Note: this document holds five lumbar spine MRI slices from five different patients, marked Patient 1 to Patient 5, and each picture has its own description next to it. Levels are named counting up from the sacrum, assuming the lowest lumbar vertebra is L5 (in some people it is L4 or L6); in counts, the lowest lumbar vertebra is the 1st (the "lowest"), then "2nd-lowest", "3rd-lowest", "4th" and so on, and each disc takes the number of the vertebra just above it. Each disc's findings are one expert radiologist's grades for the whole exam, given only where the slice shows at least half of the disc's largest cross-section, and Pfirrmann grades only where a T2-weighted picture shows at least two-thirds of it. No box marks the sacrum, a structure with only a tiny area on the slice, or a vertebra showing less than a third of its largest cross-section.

Patient 1 of 5:
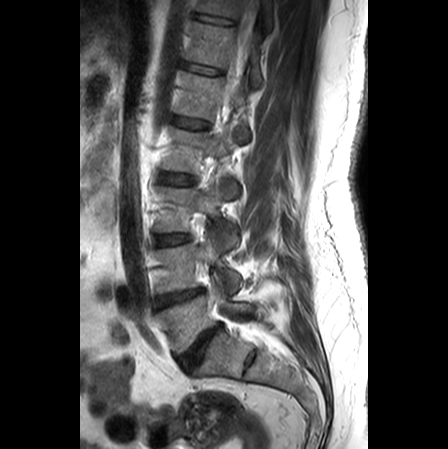
Slice 9/25. Sex M. MRI lumbar spine (T2-weighted), sagittal plane. Image 448x449.

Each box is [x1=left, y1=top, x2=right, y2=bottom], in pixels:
L2 (4th vertebra) at [x1=162, y1=125, x2=238, y2=199], T11 (7th vertebra) at [x1=196, y1=0, x2=271, y2=28], L1 (5th vertebra) at [x1=174, y1=71, x2=249, y2=140], T12 (6th vertebra) at [x1=186, y1=21, x2=261, y2=85], L4/L5 (2nd-lowest disc) at [x1=158, y1=289, x2=201, y2=306], thecal sac / spinal canal at [x1=224, y1=0, x2=278, y2=349], IVD L2/L3 (4th disc) at [x1=160, y1=173, x2=192, y2=185], L1/L2 (5th disc) at [x1=172, y1=116, x2=208, y2=128], T11/T12 (7th disc) at [x1=194, y1=14, x2=233, y2=24], IVD L5/S1 (lowest disc) at [x1=179, y1=325, x2=222, y2=369], L4 (2nd-lowest vertebra) at [x1=155, y1=236, x2=240, y2=293], IVD T12/L1 (6th disc) at [x1=182, y1=62, x2=221, y2=75], L5 (lowest vertebra) at [x1=160, y1=281, x2=252, y2=353], L3/L4 (3rd-lowest disc) at [x1=156, y1=233, x2=187, y2=245], L3 (3rd-lowest vertebra) at [x1=155, y1=180, x2=237, y2=247].

Per-level radiological findings:
  T12/L1 (6th disc): Pfirrmann grade 1
  T11/T12 (7th disc): Pfirrmann grade 1
  L5/S1 (lowest disc): Pfirrmann grade 5, disc narrowing, Modic type II, disc bulging
  L2/L3 (4th disc), L1/L2 (5th disc): no Modic or endplate change, herniation, narrowing, bulging or spondylolisthesis recorded

Patient 2 of 5:
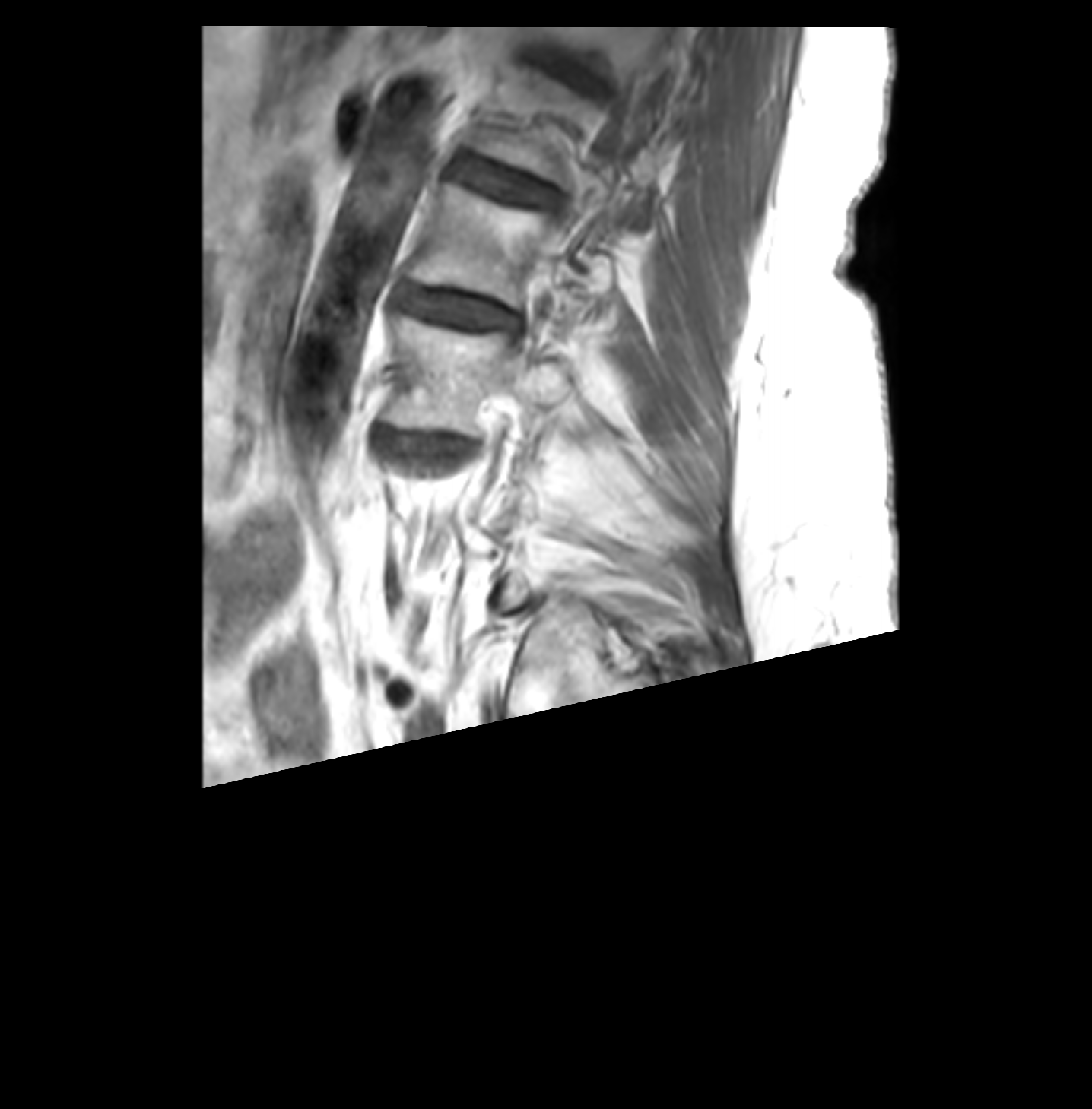 Sex F; MRI lumbar spine (T1-weighted), sagittal plane

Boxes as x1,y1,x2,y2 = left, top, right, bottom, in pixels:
- 3rd-lowest vertebra: 385,314,571,434
- 4th vertebra: 409,182,609,306
- 6th disc: 554,61,577,74
- 4th disc: 397,286,516,328
- 5th disc: 453,154,551,202
- 3rd-lowest disc: 380,433,467,453

Expert MSK radiologist gradings (per disc):
- 4th disc: disc bulging, Modic type II
- 5th disc: Modic type II
- 3rd-lowest disc: Modic type II, disc narrowing, disc bulging

Patient 3 of 5:
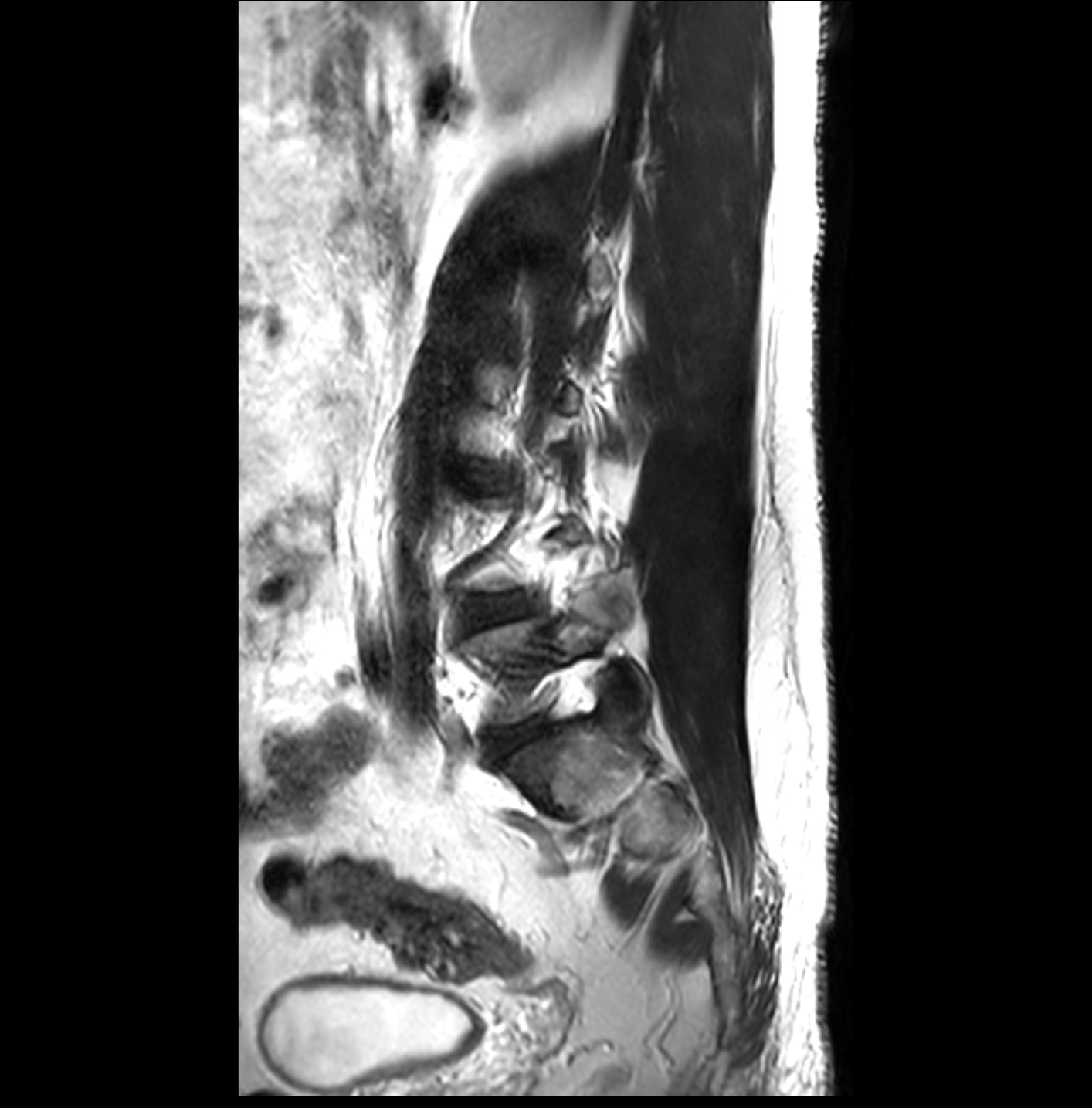 Sex M; MRI lumbar spine (T2-weighted), sagittal plane
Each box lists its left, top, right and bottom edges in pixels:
disc L5/S1 (lowest disc): left=483, top=719, right=548, bottom=757
L5 (lowest vertebra): left=459, top=611, right=647, bottom=725
L4/L5 (2nd-lowest disc): left=460, top=596, right=530, bottom=631

Patient 4 of 5:
512x640 px. Sagittal T2 SPACE (3D) lumbar spine MRI. SIEMENS Avanto_fit (1.5T). Field of view 240x300 mm, slice spacing 0.9 mm.

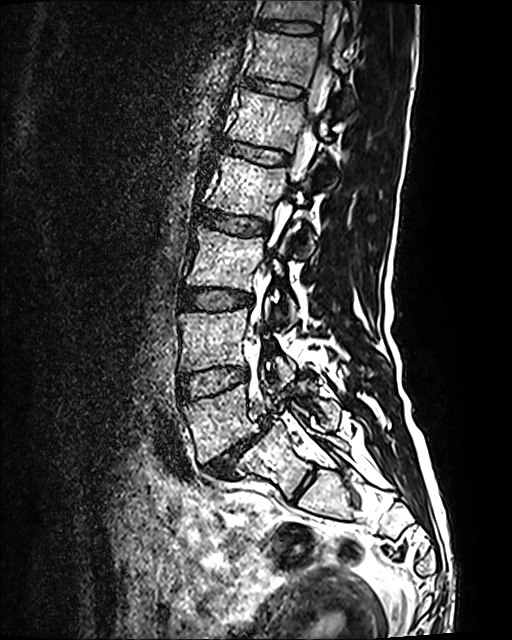 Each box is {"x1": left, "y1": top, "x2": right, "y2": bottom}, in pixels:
L3 at {"x1": 186, "y1": 227, "x2": 296, "y2": 322}, spinal canal at {"x1": 287, "y1": 0, "x2": 341, "y2": 214}, IVD L4/L5 at {"x1": 177, "y1": 367, "x2": 246, "y2": 401}, T12 vertebra at {"x1": 249, "y1": 31, "x2": 348, "y2": 86}, L3/L4 at {"x1": 180, "y1": 288, "x2": 251, "y2": 309}, L4 at {"x1": 179, "y1": 299, "x2": 295, "y2": 386}, IVD L2/L3 at {"x1": 198, "y1": 210, "x2": 268, "y2": 235}, L5/S1 at {"x1": 204, "y1": 417, "x2": 270, "y2": 477}, L2 at {"x1": 208, "y1": 154, "x2": 317, "y2": 252}, IVD L1/L2 at {"x1": 221, "y1": 141, "x2": 287, "y2": 164}, T11 at {"x1": 261, "y1": 0, "x2": 358, "y2": 37}, IVD T12/L1 at {"x1": 245, "y1": 79, "x2": 301, "y2": 98}, L5 at {"x1": 183, "y1": 373, "x2": 340, "y2": 462}, L1 at {"x1": 230, "y1": 90, "x2": 333, "y2": 177}, T11/T12 at {"x1": 258, "y1": 20, "x2": 317, "y2": 33}.

Degenerative findings by level:
- L3/L4: Pfirrmann grade 2
- T11/T12: Pfirrmann grade 2
- L2/L3: Pfirrmann grade 2
- L1/L2: Pfirrmann grade 2
- T12/L1: Pfirrmann grade 2
- L5/S1: Pfirrmann grade 5, spondylolisthesis, disc bulging, Modic type II, disc narrowing
- L4/L5: Pfirrmann grade 2

Patient 5 of 5:
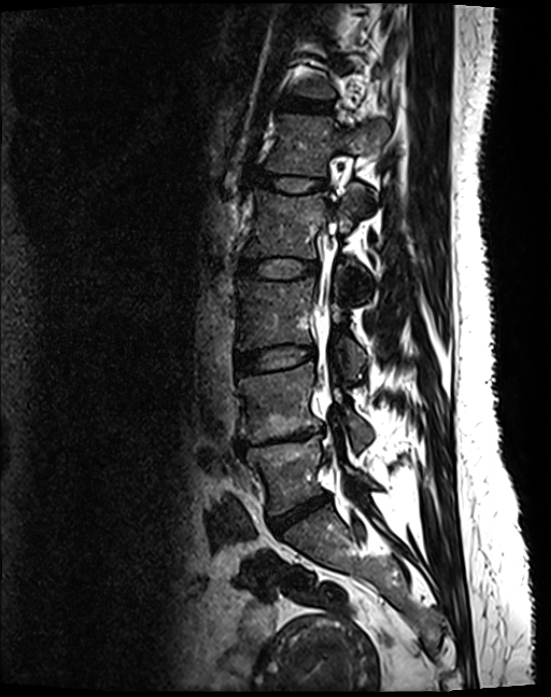
Sex F | Lumbar spine MR, T2 SPACE (3D), sagittal | Slice 54/130

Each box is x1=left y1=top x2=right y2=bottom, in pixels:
{"5th disc": "x1=255 y1=173 x2=323 y2=190", "5th vertebra": "x1=267 y1=116 x2=385 y2=175", "6th disc": "x1=287 y1=100 x2=314 y2=110", "lowest disc": "x1=270 y1=496 x2=328 y2=531", "3rd-lowest vertebra": "x1=238 y1=277 x2=363 y2=375", "4th disc": "x1=238 y1=259 x2=315 y2=278", "4th vertebra": "x1=245 y1=185 x2=368 y2=288", "lowest vertebra": "x1=247 y1=435 x2=371 y2=514", "3rd-lowest disc": "x1=236 y1=346 x2=314 y2=372", "2nd-lowest vertebra": "x1=239 y1=363 x2=369 y2=449", "2nd-lowest disc": "x1=237 y1=431 x2=320 y2=450", "thecal sac / spinal canal": "x1=320 y1=226 x2=334 y2=386"}

Radiological gradings:
- 5th disc: Pfirrmann grade 2
- 2nd-lowest disc: disc narrowing, disc bulging, upper-endplate change, Modic type II, lower-endplate change
- 4th disc: Pfirrmann grade 2
- 3rd-lowest disc: Pfirrmann grade 2
- lowest disc: disc bulging, disc narrowing